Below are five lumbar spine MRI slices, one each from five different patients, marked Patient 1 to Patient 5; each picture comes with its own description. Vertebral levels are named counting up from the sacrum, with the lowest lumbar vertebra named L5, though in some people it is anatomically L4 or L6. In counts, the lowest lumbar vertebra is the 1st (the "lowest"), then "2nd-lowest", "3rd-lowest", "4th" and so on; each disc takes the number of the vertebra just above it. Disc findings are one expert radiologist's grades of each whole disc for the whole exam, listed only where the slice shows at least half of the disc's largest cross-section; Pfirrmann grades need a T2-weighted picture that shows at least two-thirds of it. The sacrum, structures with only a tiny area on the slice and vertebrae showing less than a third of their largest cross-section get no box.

Patient 1 of 5:
MRI lumbar spine (T2 SPACE (3D)), sagittal plane.

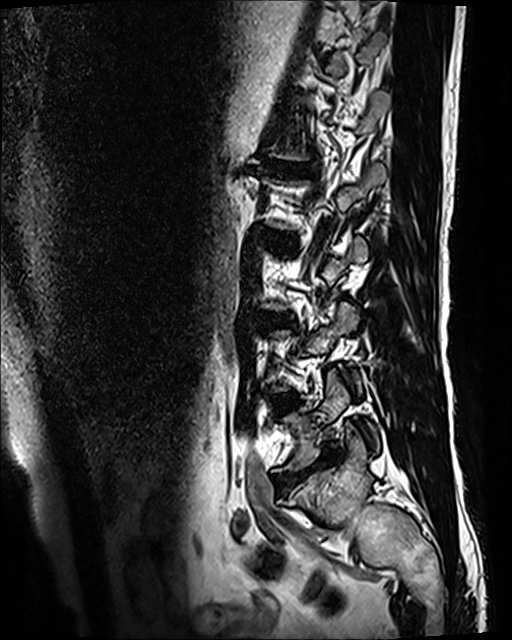 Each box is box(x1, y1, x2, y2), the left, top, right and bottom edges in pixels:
* L1/L2: box(267, 162, 311, 175)
* disc L2/L3: box(270, 232, 293, 249)
* disc L4/L5: box(273, 397, 288, 408)
* L5: box(273, 371, 379, 471)
* disc L5/S1: box(277, 448, 336, 487)
* disc L3/L4: box(268, 315, 293, 326)

Patient 2 of 5:
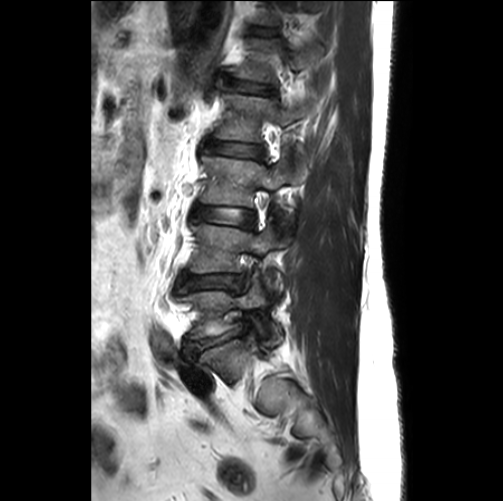 Sagittal T2-weighted lumbar spine MRI | Patient sex: M | Slice 19 of 26
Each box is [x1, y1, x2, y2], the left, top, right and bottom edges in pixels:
2nd-lowest vertebra at [190, 224, 289, 296], 4th vertebra at [215, 94, 312, 141], 6th disc at [250, 26, 275, 35], lowest disc at [181, 331, 239, 358], 2nd-lowest disc at [176, 274, 244, 293], 5th vertebra at [234, 38, 321, 82], 4th disc at [207, 141, 263, 157], 5th disc at [232, 80, 271, 95], 3rd-lowest vertebra at [200, 155, 307, 225], 3rd-lowest disc at [192, 206, 254, 224], lowest vertebra at [176, 277, 283, 343].

Radiological gradings:
- 4th disc: Pfirrmann grade 2
- 2nd-lowest disc: Pfirrmann grade 3, disc bulging, Modic type II, upper-endplate change, lower-endplate change, disc narrowing
- 3rd-lowest disc: Pfirrmann grade 2
- 5th disc: no spondylolisthesis, narrowing, bulging, herniation, Modic or endplate change recorded

Patient 3 of 5:
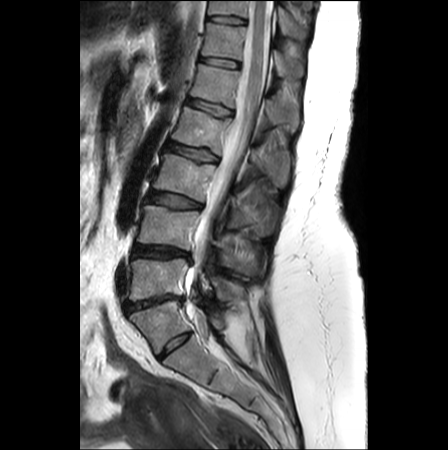
MRI lumbar spine (T2-weighted), sagittal plane. Slice 15/26.
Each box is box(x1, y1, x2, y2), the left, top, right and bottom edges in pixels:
{"L3 vertebra": "box(152, 154, 274, 237)", "T12 vertebra": "box(202, 22, 303, 76)", "disc L2/L3": "box(166, 141, 217, 162)", "L1": "box(190, 63, 299, 132)", "spinal canal": "box(186, 1, 272, 329)", "disc L3/L4": "box(148, 190, 201, 207)", "L4": "box(137, 205, 259, 277)", "disc L4/L5": "box(132, 244, 192, 263)", "T12/L1": "box(200, 57, 238, 68)", "L5/S1": "box(124, 296, 183, 312)", "L5": "box(127, 259, 231, 301)", "L2": "box(172, 107, 289, 187)", "T11": "box(208, 1, 307, 38)", "disc T11/T12": "box(208, 15, 245, 23)", "L1/L2": "box(187, 98, 231, 116)"}

Degenerative findings by level:
- T11/T12: Pfirrmann grade 1
- L3/L4: Pfirrmann grade 3, disc bulging, Modic type II
- T12/L1: Pfirrmann grade 1
- L2/L3: Pfirrmann grade 2, lower-endplate change, upper-endplate change
- L5/S1: Pfirrmann grade 5, disc bulging, Modic type II, disc narrowing, spondylolisthesis
- L4/L5: Pfirrmann grade 4, disc bulging, disc herniation
- L1/L2: Pfirrmann grade 2, lower-endplate change, upper-endplate change

Patient 4 of 5:
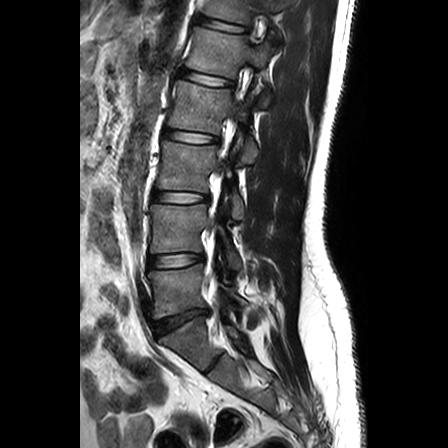 Slice spacing 3.3 mm; Slice 16 of 24; Lumbar spine MR, T2-weighted, sagittal

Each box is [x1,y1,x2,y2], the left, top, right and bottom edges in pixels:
IVD L3/L4 at [152,191,208,202], L3 vertebra at [157,141,243,218], T12 at [204,0,281,24], L1 at [186,27,272,108], IVD L4/L5 at [148,254,203,268], L2 at [167,80,257,166], L4 vertebra at [150,204,240,268], T12/L1 at [197,17,248,32], L5 at [148,264,246,319], L1/L2 at [181,70,233,86], IVD L2/L3 at [163,129,218,142], IVD L5/S1 at [154,308,209,335].

Degenerative findings by level:
• L3/L4: Pfirrmann grade 1
• L2/L3: Pfirrmann grade 1
• L1/L2: Pfirrmann grade 1
• L4/L5: Pfirrmann grade 1
• L5/S1: Pfirrmann grade 3, lower-endplate change, upper-endplate change, disc herniation, Modic type II
• T12/L1: Pfirrmann grade 1

Patient 5 of 5:
Sagittal T2-weighted lumbar spine MRI | Sagittal slice index 7

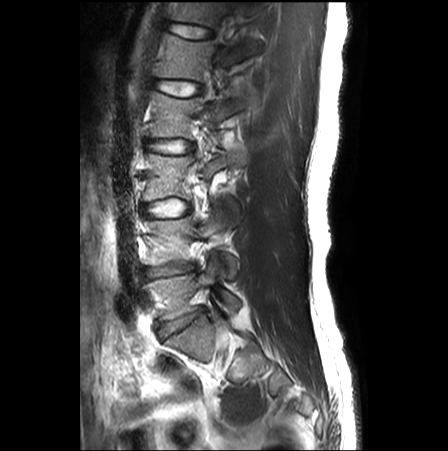 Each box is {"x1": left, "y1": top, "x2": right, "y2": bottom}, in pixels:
Segmented structures:
• L5/S1 = {"x1": 161, "y1": 309, "x2": 203, "y2": 334}
• L3 = {"x1": 144, "y1": 153, "x2": 238, "y2": 211}
• L1/L2 = {"x1": 155, "y1": 81, "x2": 198, "y2": 95}
• L4 = {"x1": 145, "y1": 208, "x2": 237, "y2": 278}
• intervertebral disc T12/L1 = {"x1": 170, "y1": 24, "x2": 210, "y2": 38}
• L2/L3 = {"x1": 148, "y1": 140, "x2": 191, "y2": 153}
• T12 = {"x1": 172, "y1": 2, "x2": 260, "y2": 27}
• L4/L5 = {"x1": 146, "y1": 265, "x2": 192, "y2": 276}
• L3/L4 = {"x1": 144, "y1": 199, "x2": 188, "y2": 217}
• L2 = {"x1": 151, "y1": 92, "x2": 245, "y2": 138}
• L5 vertebra = {"x1": 147, "y1": 260, "x2": 240, "y2": 319}
• L1 vertebra = {"x1": 154, "y1": 35, "x2": 257, "y2": 81}

Radiological gradings:
- T12/L1: Pfirrmann grade 1, lower-endplate change
- L1/L2: Pfirrmann grade 1
- L3/L4, L2/L3: no spondylolisthesis, narrowing, bulging, herniation, Modic or endplate change recorded